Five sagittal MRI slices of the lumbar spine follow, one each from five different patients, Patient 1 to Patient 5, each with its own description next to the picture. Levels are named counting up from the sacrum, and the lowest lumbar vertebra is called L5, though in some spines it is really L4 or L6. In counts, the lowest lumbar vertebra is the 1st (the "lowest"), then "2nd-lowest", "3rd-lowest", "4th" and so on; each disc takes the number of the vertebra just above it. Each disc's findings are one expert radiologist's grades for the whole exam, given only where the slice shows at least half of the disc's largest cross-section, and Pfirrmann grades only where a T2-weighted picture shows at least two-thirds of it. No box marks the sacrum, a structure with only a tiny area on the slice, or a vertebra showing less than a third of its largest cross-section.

Patient 1 of 5:
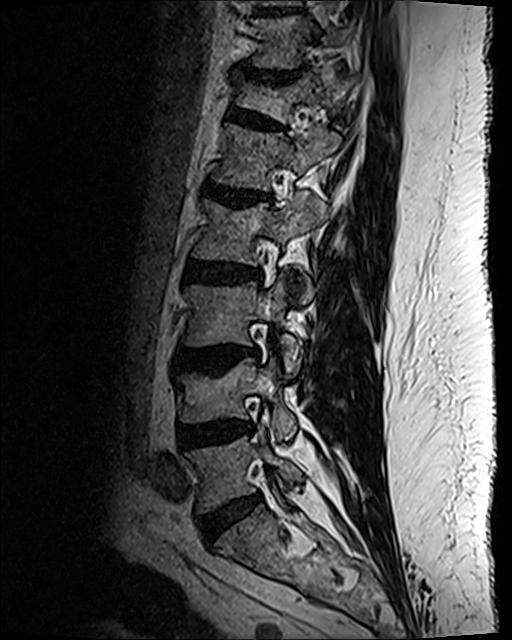

MRI lumbar spine (T2 SPACE (3D)), sagittal plane

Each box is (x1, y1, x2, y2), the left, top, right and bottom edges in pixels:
IVD L3/L4: (177, 347, 258, 369)
T11: (252, 18, 349, 68)
L5 vertebra: (188, 435, 303, 512)
L2 vertebra: (193, 196, 317, 265)
L1 vertebra: (215, 124, 340, 190)
IVD T10/T11: (260, 10, 290, 17)
T11/T12: (234, 68, 304, 83)
L1/L2: (204, 182, 261, 206)
T12 vertebra: (236, 66, 346, 122)
L3: (183, 274, 302, 375)
L5/S1: (199, 496, 258, 538)
L2/L3: (184, 262, 261, 285)
IVD L4/L5: (179, 423, 247, 447)
L4 vertebra: (177, 358, 297, 441)
T12/L1: (230, 108, 282, 130)

Expert MSK radiologist gradings (per disc):
• L5/S1: disc bulging
• L4/L5: Pfirrmann grade 3, disc narrowing, disc bulging
• L3/L4: Pfirrmann grade 3, disc bulging, lower-endplate change, upper-endplate change, Modic type II
• T12/L1: disc bulging, upper-endplate change, lower-endplate change, spondylolisthesis
• L1/L2: Modic type II, disc bulging, upper-endplate change, lower-endplate change, disc narrowing
• T11/T12: disc bulging, upper-endplate change, disc narrowing, lower-endplate change
• L2/L3: Pfirrmann grade 3, disc bulging, lower-endplate change

Patient 2 of 5:
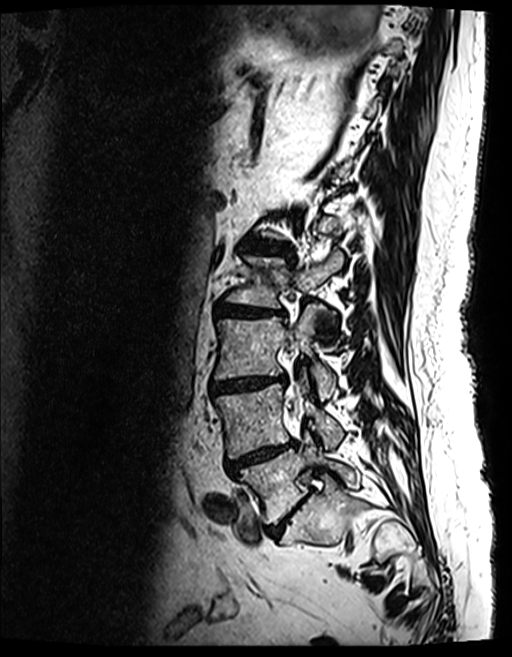 Image 512x657, T2 SPACE (3D) sagittal MRI of the lumbar spine, Slice spacing 0.9 mm
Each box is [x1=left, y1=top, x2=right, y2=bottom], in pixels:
* L3 vertebra: [x1=214, y1=305, x2=335, y2=399]
* L2: [x1=226, y1=249, x2=344, y2=308]
* IVD L4/L5: [x1=227, y1=442, x2=296, y2=473]
* thecal sac / spinal canal: [x1=295, y1=392, x2=302, y2=406]
* L1/L2: [x1=256, y1=243, x2=294, y2=256]
* L5/S1: [x1=269, y1=500, x2=304, y2=536]
* IVD L3/L4: [x1=210, y1=375, x2=285, y2=391]
* L5: [x1=236, y1=436, x2=360, y2=524]
* L4: [x1=214, y1=383, x2=343, y2=457]
* IVD L2/L3: [x1=214, y1=301, x2=285, y2=316]

Per-level radiological findings:
  L2/L3: Pfirrmann grade 4, Modic type II, disc bulging, upper-endplate change, disc narrowing, lower-endplate change
  L3/L4: Pfirrmann grade 4, Modic type II, lower-endplate change, disc narrowing, upper-endplate change, disc bulging
  L4/L5: Pfirrmann grade 5, upper-endplate change, disc narrowing, Modic type II, lower-endplate change, disc bulging

Patient 3 of 5:
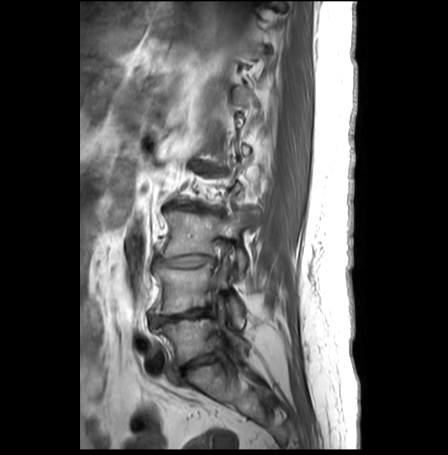 Image 448x455; T1-weighted sagittal MRI of the lumbar spine; Slice 21/30
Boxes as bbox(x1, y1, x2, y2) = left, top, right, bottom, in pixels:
3rd-lowest vertebra at bbox(160, 209, 247, 277); 5th disc at bbox(195, 163, 223, 172); 3rd-lowest disc at bbox(153, 254, 214, 266); lowest disc at bbox(170, 350, 221, 381); 4th disc at bbox(167, 204, 223, 213); 2nd-lowest disc at bbox(149, 305, 214, 325); lowest vertebra at bbox(152, 305, 248, 368); 2nd-lowest vertebra at bbox(150, 256, 244, 325).

Radiological gradings:
• 5th disc: disc narrowing, lower-endplate change, upper-endplate change, Modic type II, disc bulging
• 2nd-lowest disc: disc bulging, lower-endplate change, upper-endplate change, disc herniation, Modic type II, disc narrowing
• lowest disc: disc narrowing, Modic type II, lower-endplate change, disc bulging, upper-endplate change
• 3rd-lowest disc: disc bulging, disc narrowing, upper-endplate change, lower-endplate change, Modic type II

Patient 4 of 5:
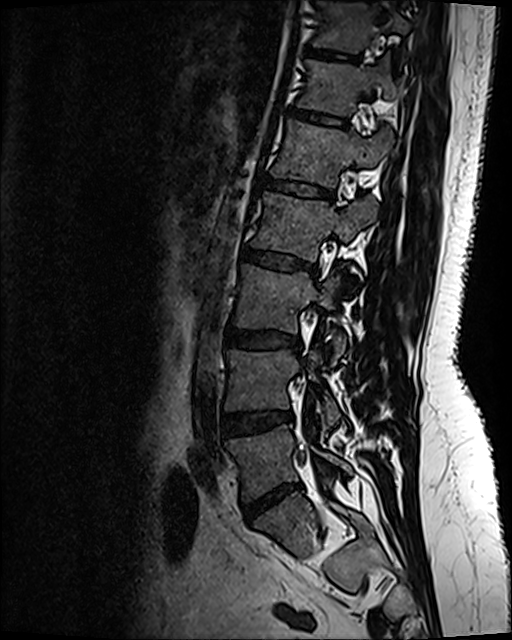 Lumbar spine MR, T2 SPACE (3D), sagittal. Sagittal slice index 75.
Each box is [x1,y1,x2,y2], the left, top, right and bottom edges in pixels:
L1 (5th vertebra): [272,121,393,186]
intervertebral disc L2/L3 (4th disc): [242,249,315,273]
L5 (lowest vertebra): [227,425,351,499]
intervertebral disc L4/L5 (2nd-lowest disc): [223,412,291,434]
intervertebral disc L3/L4 (3rd-lowest disc): [225,329,293,348]
L2 (4th vertebra): [251,194,376,260]
T12 (6th vertebra): [298,62,397,115]
T11/T12 (7th disc): [308,51,359,63]
L4 (2nd-lowest vertebra): [226,351,340,425]
intervertebral disc L5/S1 (lowest disc): [244,485,301,519]
intervertebral disc L1/L2 (5th disc): [264,181,333,200]
T11 (7th vertebra): [314,3,409,52]
intervertebral disc T12/L1 (6th disc): [292,109,347,129]
L3 (3rd-lowest vertebra): [233,264,346,364]

Degenerative findings by level:
  T12/L1 (6th disc): Pfirrmann grade 2, upper-endplate change, lower-endplate change
  T11/T12 (7th disc): Pfirrmann grade 2
  L4/L5 (2nd-lowest disc): Pfirrmann grade 2, disc bulging
  L2/L3 (4th disc): Pfirrmann grade 4, upper-endplate change, disc bulging, lower-endplate change
  L3/L4 (3rd-lowest disc): Pfirrmann grade 2, disc bulging
  L5/S1 (lowest disc): Pfirrmann grade 1, disc bulging, disc herniation, disc narrowing
  L1/L2 (5th disc): Pfirrmann grade 2, lower-endplate change, upper-endplate change

Patient 5 of 5:
Sagittal slice index 10, Slice spacing 4.8 mm, MRI lumbar spine (T1-weighted), sagittal plane, 386x389 px, Patient sex: F

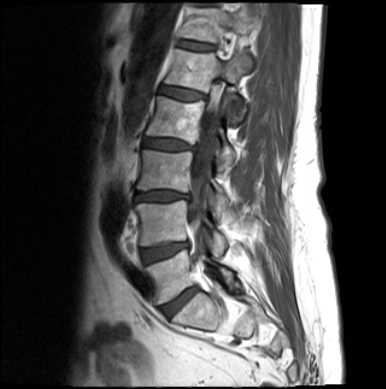 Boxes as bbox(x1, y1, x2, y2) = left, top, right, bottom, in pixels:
{"thecal sac / spinal canal": "bbox(188, 74, 224, 238)", "4th vertebra": "bbox(146, 96, 235, 170)", "3rd-lowest vertebra": "bbox(137, 149, 228, 216)", "5th disc": "bbox(159, 86, 205, 100)", "2nd-lowest vertebra": "bbox(135, 200, 227, 256)", "2nd-lowest disc": "bbox(141, 241, 191, 263)", "lowest vertebra": "bbox(146, 248, 240, 303)", "6th vertebra": "bbox(181, 8, 252, 67)", "3rd-lowest disc": "bbox(135, 190, 189, 200)", "5th vertebra": "bbox(165, 49, 247, 122)", "4th disc": "bbox(143, 139, 195, 150)", "6th disc": "bbox(178, 41, 214, 50)", "lowest disc": "bbox(163, 287, 198, 316)"}

Radiological gradings:
  3rd-lowest disc: disc narrowing, disc bulging
  lowest disc: disc bulging
  2nd-lowest disc: disc bulging
  5th disc: disc bulging
  4th disc: disc bulging
  6th disc: no Modic or endplate change, herniation, narrowing, bulging or spondylolisthesis recorded